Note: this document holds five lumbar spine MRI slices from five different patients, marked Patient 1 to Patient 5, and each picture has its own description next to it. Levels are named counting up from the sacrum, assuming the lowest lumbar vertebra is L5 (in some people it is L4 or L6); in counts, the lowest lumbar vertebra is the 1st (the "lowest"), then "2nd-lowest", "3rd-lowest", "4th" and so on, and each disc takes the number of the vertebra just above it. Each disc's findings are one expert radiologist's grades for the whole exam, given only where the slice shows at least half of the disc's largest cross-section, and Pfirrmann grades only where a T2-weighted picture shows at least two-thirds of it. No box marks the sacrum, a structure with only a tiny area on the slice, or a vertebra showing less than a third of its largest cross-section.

Patient 1 of 5:
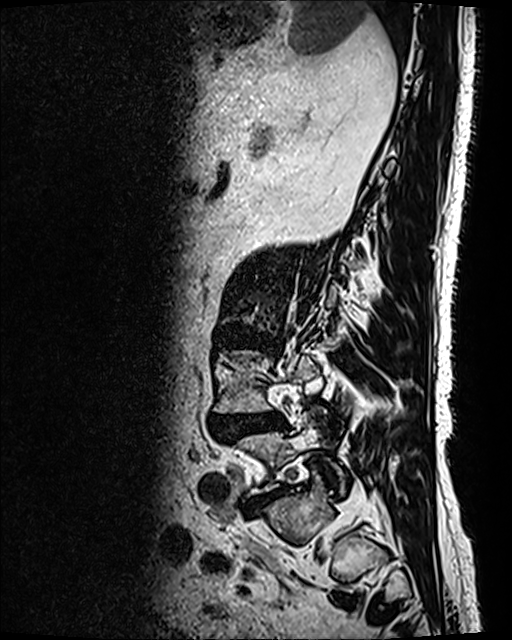 Patient sex: M; T2 SPACE (3D) sagittal MRI of the lumbar spine

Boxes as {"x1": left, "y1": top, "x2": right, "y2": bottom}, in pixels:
L5 (lowest vertebra) at {"x1": 239, "y1": 422, "x2": 346, "y2": 494}, disc L3/L4 (3rd-lowest disc) at {"x1": 224, "y1": 335, "x2": 267, "y2": 347}, L4/L5 (2nd-lowest disc) at {"x1": 213, "y1": 412, "x2": 284, "y2": 438}, disc L5/S1 (lowest disc) at {"x1": 252, "y1": 489, "x2": 281, "y2": 509}.

Expert MSK radiologist gradings (per disc):
- L4/L5 (2nd-lowest disc): disc herniation, disc narrowing, lower-endplate change, upper-endplate change, spondylolisthesis, disc bulging, Modic type II

Patient 2 of 5:
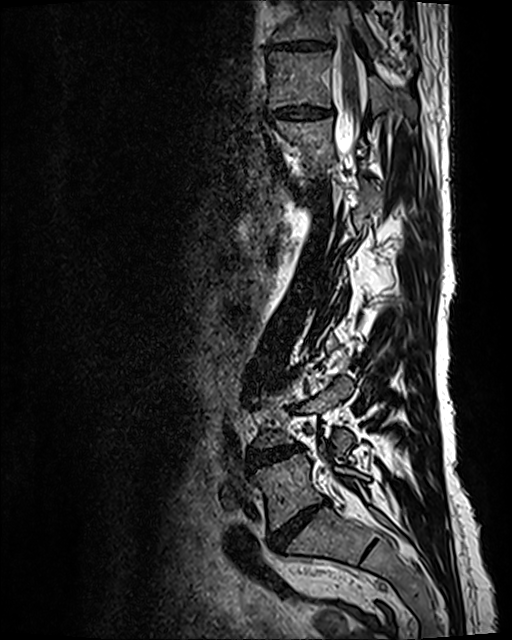

Slice spacing 0.9 mm, T2 SPACE (3D) sagittal MRI of the lumbar spine
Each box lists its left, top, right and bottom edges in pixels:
2nd-lowest disc — left=248, top=447, right=299, bottom=467.
8th disc — left=271, top=40, right=330, bottom=49.
Lowest vertebra — left=253, top=445, right=368, bottom=529.
7th disc — left=268, top=104, right=332, bottom=120.
2nd-lowest vertebra — left=255, top=376, right=353, bottom=456.
Thecal sac / spinal canal — left=332, top=38, right=366, bottom=487.
Lowest disc — left=269, top=501, right=325, bottom=549.
8th vertebra — left=272, top=1, right=415, bottom=65.
7th vertebra — left=268, top=50, right=415, bottom=119.
6th vertebra — left=276, top=118, right=335, bottom=176.

Degenerative findings by level:
  lowest disc: Pfirrmann grade 5, Modic type II, disc bulging, upper-endplate change, lower-endplate change, disc narrowing
  7th disc: Pfirrmann grade 3, disc bulging, disc narrowing
  2nd-lowest disc: Modic type II, disc bulging, disc narrowing
  8th disc: disc bulging, disc narrowing

Patient 3 of 5:
Field of view 240x300 mm, slice spacing 0.9 mm. MRI lumbar spine (T2 SPACE (3D)), sagittal plane. Image 512x640. 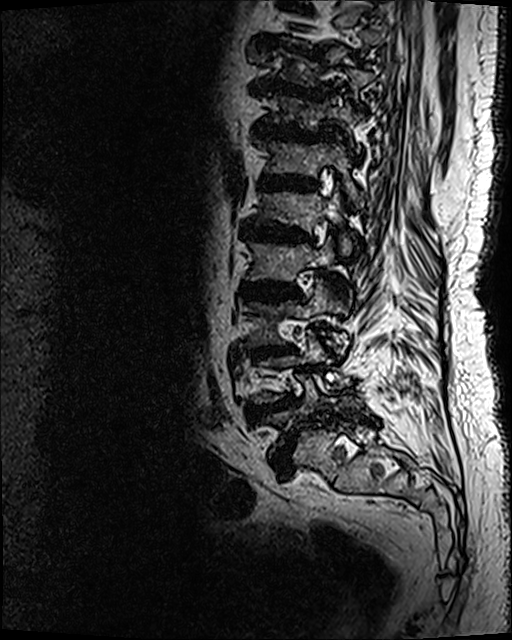 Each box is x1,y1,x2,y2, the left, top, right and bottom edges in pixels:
L5 (lowest vertebra) — 260,372,363,456.
T10 (8th vertebra) — 277,52,377,89.
T12 (6th vertebra) — 257,139,362,209.
Intervertebral disc L2/L3 (4th disc) — 240,280,302,301.
Intervertebral disc L1/L2 (5th disc) — 239,223,313,243.
L2 (4th vertebra) — 246,233,353,293.
T11 (7th vertebra) — 267,94,362,150.
T12/L1 (6th disc) — 259,174,321,192.
Intervertebral disc T9/T10 (9th disc) — 256,45,321,60.
L1 (5th vertebra) — 254,179,354,256.
L4 (2nd-lowest vertebra) — 251,328,328,404.
T11/T12 (7th disc) — 254,121,333,142.
L3/L4 (3rd-lowest disc) — 249,345,297,358.
T10/T11 (8th disc) — 253,77,327,101.
L5/S1 (lowest disc) — 270,436,296,473.
Intervertebral disc L4/L5 (2nd-lowest disc) — 246,395,299,419.
L3 (3rd-lowest vertebra) — 245,278,349,360.

Expert MSK radiologist gradings (per disc):
- T12/L1 (6th disc): Pfirrmann grade 5, Modic type II, disc narrowing, upper-endplate change, disc bulging, lower-endplate change
- T10/T11 (8th disc): Pfirrmann grade 5, Modic type II, disc narrowing, lower-endplate change, disc bulging, upper-endplate change
- T11/T12 (7th disc): Pfirrmann grade 5, disc narrowing, disc bulging, Modic type II, lower-endplate change, upper-endplate change
- L1/L2 (5th disc): Pfirrmann grade 5, upper-endplate change, disc narrowing, lower-endplate change, Modic type II, disc bulging
- L2/L3 (4th disc): Pfirrmann grade 5, upper-endplate change, disc bulging, Modic type II, lower-endplate change, disc narrowing

Patient 4 of 5:
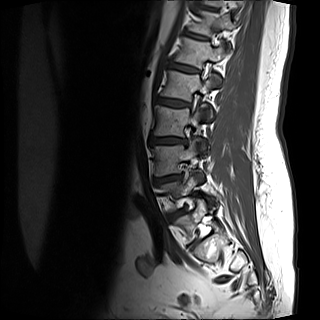

Slice 4 of 15. Field of view 340x340 mm, slice spacing 4.8 mm. MRI lumbar spine (T1-weighted), sagittal plane.

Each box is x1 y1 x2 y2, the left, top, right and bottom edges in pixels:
Disc T11/T12: 186 33 207 39.
Disc L2/L3: 150 137 186 144.
T12: 175 37 224 79.
L1: 161 71 216 101.
L3/L4: 155 175 181 183.
L5 vertebra: 176 199 207 240.
L2: 152 105 202 136.
L1/L2: 156 98 190 106.
Disc T12/L1: 169 62 198 72.
L3 vertebra: 155 141 197 176.
T11: 189 11 235 35.

Radiological gradings:
  L2/L3: disc narrowing, disc bulging
  L3/L4: disc bulging, disc narrowing
  T11/T12, L1/L2, T12/L1: no herniation, bulging, narrowing, spondylolisthesis, endplate or Modic change recorded

Patient 5 of 5:
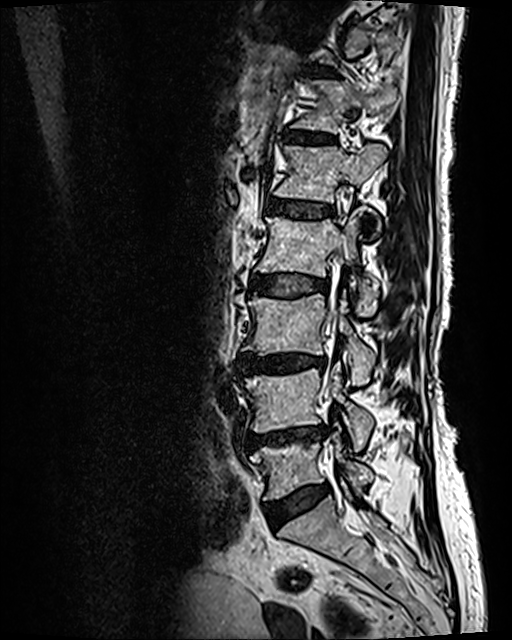 Patient sex: F | Sagittal T2 SPACE (3D) lumbar spine MRI

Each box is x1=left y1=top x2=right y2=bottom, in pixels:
7th disc = x1=313 y1=68 x2=332 y2=74.
2nd-lowest vertebra = x1=240 y1=363 x2=373 y2=450.
3rd-lowest disc = x1=237 y1=353 x2=326 y2=373.
Lowest disc = x1=265 y1=485 x2=329 y2=526.
3rd-lowest vertebra = x1=242 y1=293 x2=376 y2=385.
Lowest vertebra = x1=250 y1=432 x2=373 y2=500.
Spinal canal = x1=324 y1=320 x2=336 y2=392.
6th disc = x1=286 y1=131 x2=334 y2=143.
2nd-lowest disc = x1=241 y1=424 x2=328 y2=452.
5th vertebra = x1=275 y1=144 x2=388 y2=230.
4th disc = x1=254 y1=274 x2=328 y2=296.
6th vertebra = x1=291 y1=80 x2=397 y2=133.
5th disc = x1=268 y1=199 x2=332 y2=218.
4th vertebra = x1=256 y1=213 x2=378 y2=314.

Per-level radiological findings:
  6th disc: upper-endplate change, Modic type II, lower-endplate change
  2nd-lowest disc: Pfirrmann grade 4, Modic type II, disc narrowing, disc bulging, lower-endplate change, upper-endplate change
  lowest disc: Pfirrmann grade 2, disc bulging
  3rd-lowest disc: Pfirrmann grade 4, lower-endplate change, disc narrowing, Modic type II, disc bulging, upper-endplate change
  4th disc: Pfirrmann grade 3, Modic type II, upper-endplate change, disc bulging, lower-endplate change
  5th disc: Pfirrmann grade 3, upper-endplate change, Modic type II, lower-endplate change